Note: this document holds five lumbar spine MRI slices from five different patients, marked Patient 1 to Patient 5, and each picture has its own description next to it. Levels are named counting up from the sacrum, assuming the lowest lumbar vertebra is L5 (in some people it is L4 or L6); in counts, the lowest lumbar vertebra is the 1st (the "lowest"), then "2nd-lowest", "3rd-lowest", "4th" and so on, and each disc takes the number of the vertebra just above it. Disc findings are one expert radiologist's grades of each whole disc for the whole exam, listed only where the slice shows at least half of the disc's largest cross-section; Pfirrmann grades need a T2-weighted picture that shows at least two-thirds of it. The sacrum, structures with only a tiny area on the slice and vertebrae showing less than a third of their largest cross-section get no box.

Patient 1 of 5:
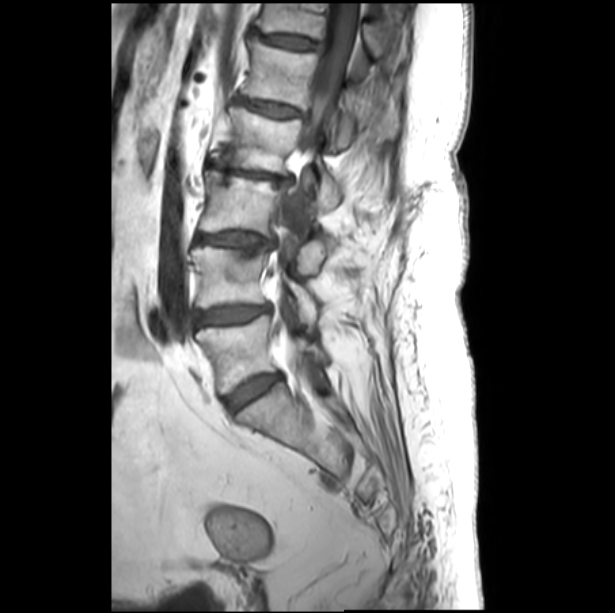 Sagittal T1-weighted lumbar spine MRI, Patient sex: F, Slice spacing 3.3 mm
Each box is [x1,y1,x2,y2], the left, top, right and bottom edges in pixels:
{"2nd-lowest vertebra": "[192,246,316,323]", "5th vertebra": "[240,37,398,153]", "6th disc": "[261,35,320,49]", "2nd-lowest disc": "[195,304,269,325]", "4th vertebra": "[211,107,342,210]", "3rd-lowest disc": "[196,232,274,246]", "lowest disc": "[226,374,280,410]", "5th disc": "[242,100,300,118]", "lowest vertebra": "[198,301,327,393]", "6th vertebra": "[256,3,407,61]", "3rd-lowest vertebra": "[200,170,327,273]", "4th disc": "[207,162,292,183]", "thecal sac / spinal canal": "[282,3,358,231]"}

Degenerative findings by level:
- 4th disc: lower-endplate change, disc bulging, upper-endplate change, disc narrowing, Modic type II
- 2nd-lowest disc: disc bulging
- lowest disc: disc bulging
- 5th disc: lower-endplate change, disc bulging, upper-endplate change, Modic type II
- 6th disc: Modic type II, lower-endplate change, disc bulging, upper-endplate change
- 3rd-lowest disc: Modic type II, disc narrowing, disc bulging, lower-endplate change, upper-endplate change

Patient 2 of 5:
MRI lumbar spine (T1-weighted), sagittal plane; Slice 14/28

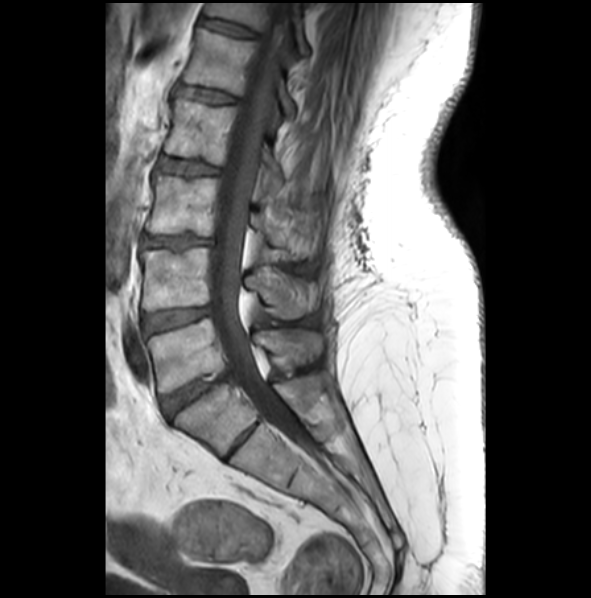 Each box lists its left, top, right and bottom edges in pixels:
Structures:
* intervertebral disc L1/L2: left=177, top=84, right=233, bottom=103
* T12/L1: left=199, top=18, right=252, bottom=36
* L2: left=164, top=99, right=283, bottom=186
* T12: left=205, top=2, right=308, bottom=53
* L4 vertebra: left=140, top=247, right=308, bottom=318
* L5 vertebra: left=148, top=318, right=322, bottom=392
* L1 vertebra: left=185, top=28, right=295, bottom=117
* spinal canal: left=211, top=2, right=297, bottom=439
* intervertebral disc L3/L4: left=141, top=234, right=211, bottom=247
* L4/L5: left=141, top=307, right=209, bottom=334
* intervertebral disc L5/S1: left=161, top=369, right=231, bottom=416
* intervertebral disc L2/L3: left=158, top=156, right=217, bottom=174
* L3: left=146, top=172, right=318, bottom=257

Per-level radiological findings:
• L4/L5: disc bulging
• L3/L4: disc narrowing, disc bulging, Modic type II, upper-endplate change, lower-endplate change
• L5/S1: upper-endplate change, disc bulging, lower-endplate change
• T12/L1, L1/L2, L2/L3: no Modic or endplate change, herniation, narrowing, bulging or spondylolisthesis recorded

Patient 3 of 5:
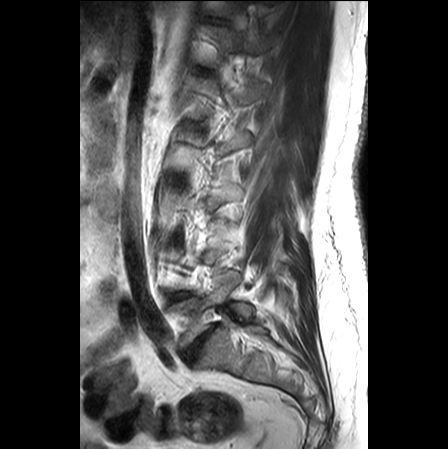

Slice 7/25, Lumbar spine MR, T2-weighted, sagittal

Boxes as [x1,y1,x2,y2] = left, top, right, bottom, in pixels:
L4/L5 at [173,293,188,298], IVD L5/S1 at [185,324,216,363], L5 vertebra at [169,272,252,346].

Patient 4 of 5:
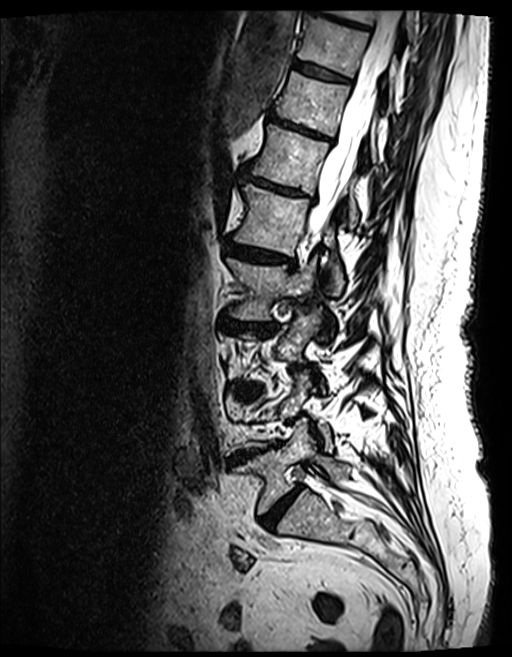 T2 SPACE (3D) sagittal MRI of the lumbar spine
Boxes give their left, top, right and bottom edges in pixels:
7th disc at left=269, top=115, right=330, bottom=140.
Lowest disc at left=262, top=488, right=300, bottom=529.
8th disc at left=293, top=60, right=348, bottom=82.
Lowest vertebra at left=234, top=420, right=349, bottom=514.
7th vertebra at left=275, top=72, right=377, bottom=162.
8th vertebra at left=298, top=15, right=396, bottom=96.
5th disc at left=228, top=243, right=287, bottom=262.
9th vertebra at left=327, top=9, right=414, bottom=39.
9th disc at left=308, top=0, right=367, bottom=28.
2nd-lowest disc at left=230, top=443, right=279, bottom=462.
6th disc at left=242, top=172, right=307, bottom=197.
Thecal sac / spinal canal at left=304, top=10, right=400, bottom=246.
6th vertebra at left=249, top=125, right=357, bottom=229.
4th vertebra at left=227, top=257, right=317, bottom=320.
4th disc at left=222, top=316, right=274, bottom=332.
5th vertebra at left=235, top=183, right=343, bottom=292.

Per-level radiological findings:
- 4th disc: Pfirrmann grade 4, disc bulging, Modic type II, upper-endplate change, disc narrowing, lower-endplate change
- 9th disc: Pfirrmann grade 4, disc bulging, Modic type II, lower-endplate change, upper-endplate change
- lowest disc: disc bulging, disc narrowing
- 5th disc: Pfirrmann grade 4, disc bulging, Modic type II, lower-endplate change, disc narrowing, upper-endplate change
- 8th disc: Pfirrmann grade 4, Modic type II, upper-endplate change, lower-endplate change
- 7th disc: Pfirrmann grade 5, Modic type II, disc narrowing, upper-endplate change, lower-endplate change, disc bulging
- 6th disc: Pfirrmann grade 4, disc narrowing, upper-endplate change, disc bulging, lower-endplate change, Modic type II

Patient 5 of 5:
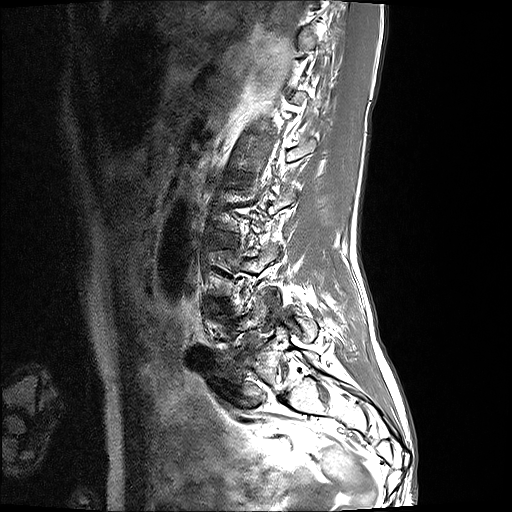

Slice 15/17 | Image 512x512 | T1-weighted sagittal MRI of the lumbar spine
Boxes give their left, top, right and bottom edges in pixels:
lowest disc at left=225, top=335, right=257, bottom=370 | lowest vertebra at left=219, top=290, right=318, bottom=364 | 2nd-lowest disc at left=213, top=299, right=230, bottom=311 | 3rd-lowest disc at left=208, top=232, right=236, bottom=247